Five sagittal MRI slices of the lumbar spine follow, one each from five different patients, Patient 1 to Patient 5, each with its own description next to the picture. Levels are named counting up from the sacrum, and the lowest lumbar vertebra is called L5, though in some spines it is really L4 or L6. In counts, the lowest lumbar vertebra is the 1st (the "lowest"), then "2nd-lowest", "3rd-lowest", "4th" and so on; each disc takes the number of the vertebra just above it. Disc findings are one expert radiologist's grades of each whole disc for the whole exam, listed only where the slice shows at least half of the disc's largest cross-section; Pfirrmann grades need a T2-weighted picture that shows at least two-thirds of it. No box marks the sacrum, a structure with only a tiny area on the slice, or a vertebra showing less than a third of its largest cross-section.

Patient 1 of 5:
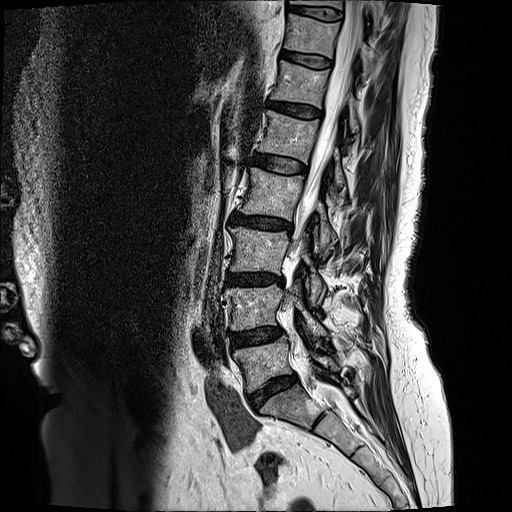
Sagittal T2-weighted lumbar spine MRI
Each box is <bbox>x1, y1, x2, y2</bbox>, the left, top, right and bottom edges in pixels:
Segmented structures:
* T11/T12: <bbox>282, 50, 331, 66</bbox>
* L2: <bbox>241, 166, 332, 250</bbox>
* L1/L2: <bbox>252, 153, 306, 172</bbox>
* T11: <bbox>285, 14, 374, 70</bbox>
* L5: <bbox>235, 337, 339, 392</bbox>
* L1: <bbox>260, 110, 345, 187</bbox>
* intervertebral disc T12/L1: <bbox>269, 101, 322, 117</bbox>
* T10/T11: <bbox>287, 5, 342, 19</bbox>
* L4 vertebra: <bbox>226, 283, 326, 337</bbox>
* L3 vertebra: <bbox>231, 227, 323, 303</bbox>
* intervertebral disc L3/L4: <bbox>226, 272, 283, 284</bbox>
* L4/L5: <bbox>232, 327, 280, 345</bbox>
* thecal sac / spinal canal: <bbox>285, 1, 367, 353</bbox>
* L2/L3: <bbox>231, 213, 292, 231</bbox>
* intervertebral disc L5/S1: <bbox>250, 376, 294, 408</bbox>
* T12 vertebra: <bbox>273, 61, 359, 130</bbox>
* T10 vertebra: <bbox>293, 0, 381, 24</bbox>

Expert MSK radiologist gradings (per disc):
  T11/T12: Pfirrmann grade 2
  L5/S1: Pfirrmann grade 4, disc bulging, disc narrowing
  T10/T11: Pfirrmann grade 2
  L2/L3: Pfirrmann grade 4, disc bulging, upper-endplate change, disc narrowing, lower-endplate change, Modic type II
  L3/L4: Pfirrmann grade 4, disc bulging, Modic type II, disc narrowing, upper-endplate change, lower-endplate change
  T12/L1: Pfirrmann grade 3, disc bulging
  L4/L5: Pfirrmann grade 3, disc bulging
  L1/L2: Pfirrmann grade 2

Patient 2 of 5:
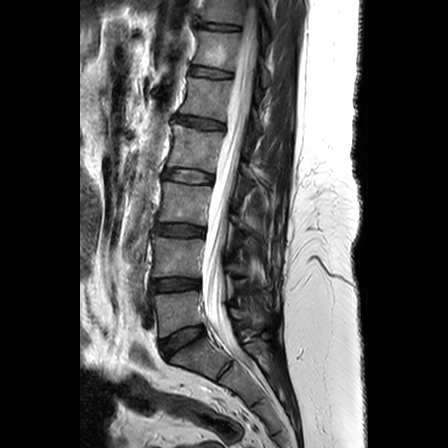 Sagittal slice index 12. Lumbar spine MR, T2-weighted, sagittal. Sex F.

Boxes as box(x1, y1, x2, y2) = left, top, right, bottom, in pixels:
IVD L3/L4 (3rd-lowest disc): box(155, 224, 203, 235).
L3 (3rd-lowest vertebra): box(159, 182, 251, 233).
L2 (4th vertebra): box(168, 124, 258, 180).
T11 (7th vertebra): box(201, 0, 271, 23).
L5 (lowest vertebra): box(152, 290, 261, 336).
Thecal sac / spinal canal: box(202, 0, 258, 358).
IVD L5/S1 (lowest disc): box(161, 326, 203, 356).
T12/L1 (6th disc): box(192, 66, 230, 77).
L1 (5th vertebra): box(180, 77, 262, 129).
T11/T12 (7th disc): box(199, 23, 238, 29).
L4 (2nd-lowest vertebra): box(152, 234, 247, 276).
T12 (6th vertebra): box(194, 30, 270, 85).
IVD L1/L2 (5th disc): box(175, 115, 224, 130).
L2/L3 (4th disc): box(164, 169, 212, 182).
L4/L5 (2nd-lowest disc): box(151, 278, 199, 291).

Expert MSK radiologist gradings (per disc):
  T12/L1 (6th disc): Pfirrmann grade 2
  L3/L4 (3rd-lowest disc): Pfirrmann grade 3, upper-endplate change
  L5/S1 (lowest disc): Pfirrmann grade 3
  T11/T12 (7th disc): Pfirrmann grade 2
  L4/L5 (2nd-lowest disc): Pfirrmann grade 3, disc narrowing
  L2/L3 (4th disc): Pfirrmann grade 2
  L1/L2 (5th disc): Pfirrmann grade 3, disc bulging, upper-endplate change, Modic type II

Patient 3 of 5:
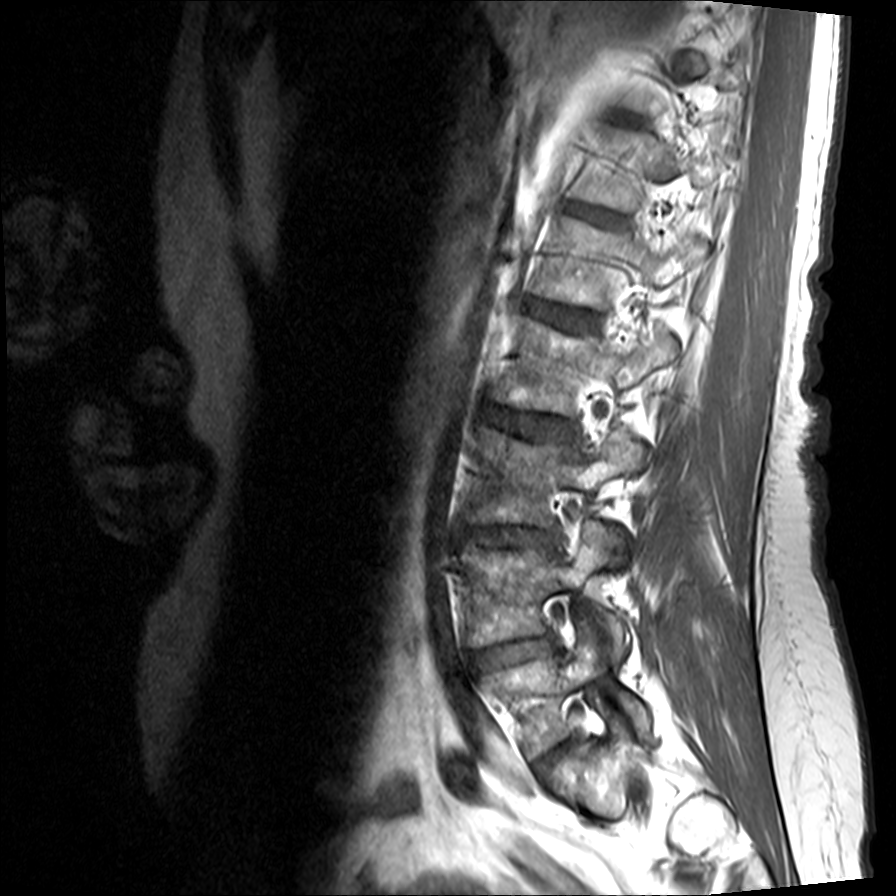 Lumbar spine MR, T1-weighted, sagittal; Sex F; Slice 3/15; 896x896 px
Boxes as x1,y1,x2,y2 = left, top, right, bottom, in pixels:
L2: 496,320,679,414
L3: 471,430,647,526
L4 vertebra: 469,521,627,664
L1: 537,218,706,307
L1/L2: 529,299,597,330
intervertebral disc L4/L5: 467,637,556,671
L2/L3: 485,407,574,438
L5/S1: 538,741,573,770
intervertebral disc T12/L1: 573,205,619,220
L5 vertebra: 484,621,651,757
intervertebral disc L3/L4: 467,526,555,546

Degenerative findings by level:
- L4/L5: disc bulging, disc narrowing, disc herniation, Modic type II
- L3/L4: upper-endplate change, lower-endplate change, disc bulging, disc narrowing
- L2/L3: disc bulging
- L1/L2: no spondylolisthesis, narrowing, bulging, herniation, Modic or endplate change recorded

Patient 4 of 5:
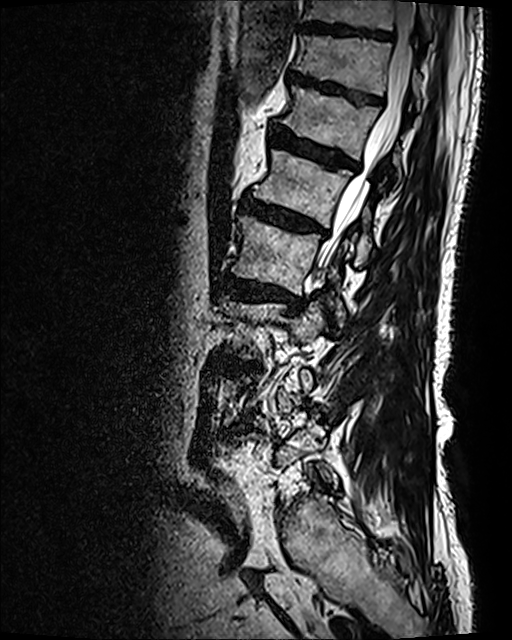

Sagittal slice index 92 | Patient sex: M | Sagittal T2 SPACE (3D) lumbar spine MRI

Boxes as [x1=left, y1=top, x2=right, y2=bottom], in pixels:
- 7th disc — [x1=288, y1=69, x2=382, y2=104]
- 6th vertebra — [x1=281, y1=86, x2=401, y2=177]
- spinal canal — [x1=318, y1=1, x2=415, y2=269]
- 8th disc — [x1=300, y1=22, x2=393, y2=40]
- 8th vertebra — [x1=303, y1=0, x2=432, y2=40]
- 7th vertebra — [x1=294, y1=36, x2=421, y2=109]
- 5th vertebra — [x1=254, y1=150, x2=371, y2=263]
- 4th vertebra — [x1=231, y1=215, x2=346, y2=326]
- 5th disc — [x1=240, y1=196, x2=325, y2=234]
- 4th disc — [x1=221, y1=274, x2=302, y2=309]
- 6th disc — [x1=270, y1=124, x2=359, y2=170]
- 3rd-lowest disc — [x1=227, y1=360, x2=253, y2=369]

Degenerative findings by level:
- 8th disc: Pfirrmann grade 3
- 6th disc: Pfirrmann grade 4, lower-endplate change, disc bulging, upper-endplate change, Modic type II
- 4th disc: Pfirrmann grade 4, disc bulging, lower-endplate change, Modic type I, disc narrowing, upper-endplate change
- 7th disc: Pfirrmann grade 4, upper-endplate change, disc bulging, lower-endplate change
- 5th disc: Pfirrmann grade 4, lower-endplate change, disc bulging, upper-endplate change, Modic type II

Patient 5 of 5:
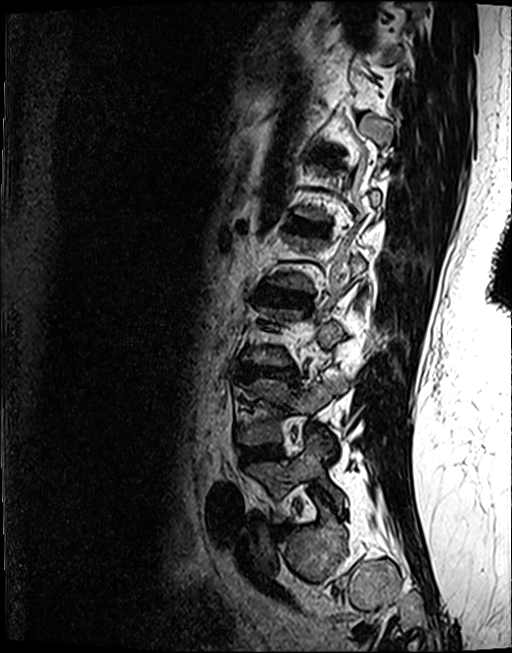 T2 SPACE (3D) sagittal MRI of the lumbar spine, Field of view 240x301 mm
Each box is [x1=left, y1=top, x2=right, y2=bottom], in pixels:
Disc L4/L5 (2nd-lowest disc) at [x1=241, y1=445, x2=281, y2=462], L5 (lowest vertebra) at [x1=246, y1=434, x2=343, y2=522], L5/S1 (lowest disc) at [x1=275, y1=524, x2=287, y2=532], L4 (2nd-lowest vertebra) at [x1=238, y1=377, x2=349, y2=444], disc L1/L2 (5th disc) at [x1=294, y1=220, x2=314, y2=230], disc L3/L4 (3rd-lowest disc) at [x1=240, y1=365, x2=296, y2=378], disc L2/L3 (4th disc) at [x1=257, y1=288, x2=310, y2=307].

Expert MSK radiologist gradings (per disc):
  L2/L3 (4th disc): lower-endplate change, disc bulging, upper-endplate change
  L3/L4 (3rd-lowest disc): disc narrowing, disc bulging, Modic type II, lower-endplate change, upper-endplate change